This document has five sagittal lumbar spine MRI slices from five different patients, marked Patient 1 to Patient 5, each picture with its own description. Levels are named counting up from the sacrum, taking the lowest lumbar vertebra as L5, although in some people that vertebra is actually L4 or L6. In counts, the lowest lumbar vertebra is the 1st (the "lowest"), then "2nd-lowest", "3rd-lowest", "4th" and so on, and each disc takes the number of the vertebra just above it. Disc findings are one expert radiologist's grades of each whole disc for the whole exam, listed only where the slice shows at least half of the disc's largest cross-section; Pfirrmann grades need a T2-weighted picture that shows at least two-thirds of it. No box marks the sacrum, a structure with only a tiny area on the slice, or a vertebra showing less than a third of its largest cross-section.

Patient 1 of 5:
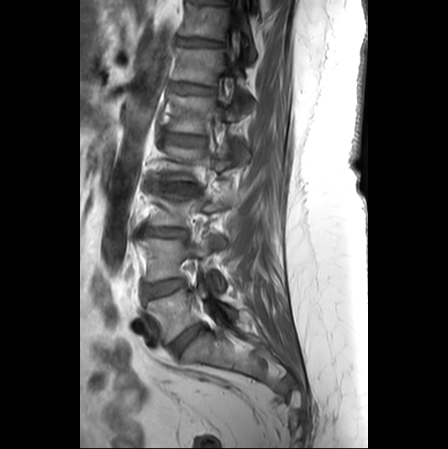

Sagittal T1-weighted lumbar spine MRI

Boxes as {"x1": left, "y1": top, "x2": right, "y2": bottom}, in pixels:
3rd-lowest vertebra at {"x1": 149, "y1": 186, "x2": 228, "y2": 226}, 4th vertebra at {"x1": 153, "y1": 142, "x2": 249, "y2": 182}, spinal canal at {"x1": 227, "y1": 27, "x2": 238, "y2": 66}, 5th disc at {"x1": 163, "y1": 134, "x2": 204, "y2": 145}, 6th disc at {"x1": 169, "y1": 81, "x2": 214, "y2": 93}, lowest disc at {"x1": 170, "y1": 323, "x2": 204, "y2": 355}, 4th disc at {"x1": 146, "y1": 180, "x2": 201, "y2": 193}, 2nd-lowest vertebra at {"x1": 138, "y1": 234, "x2": 224, "y2": 289}, 7th vertebra at {"x1": 179, "y1": 3, "x2": 256, "y2": 60}, 7th disc at {"x1": 176, "y1": 37, "x2": 222, "y2": 45}, 5th vertebra at {"x1": 167, "y1": 94, "x2": 250, "y2": 133}, lowest vertebra at {"x1": 147, "y1": 283, "x2": 235, "y2": 342}, 3rd-lowest disc at {"x1": 139, "y1": 228, "x2": 186, "y2": 236}, 2nd-lowest disc at {"x1": 143, "y1": 279, "x2": 185, "y2": 300}, 6th vertebra at {"x1": 173, "y1": 47, "x2": 239, "y2": 84}.

Degenerative findings by level:
• 2nd-lowest disc: lower-endplate change, upper-endplate change, disc bulging, Modic type II
• 7th disc: upper-endplate change
• 5th disc: disc bulging
• 3rd-lowest disc: disc bulging, upper-endplate change, disc narrowing, lower-endplate change
• lowest disc: disc bulging
• 4th disc: disc narrowing, disc herniation, upper-endplate change, Modic type II, lower-endplate change
• 6th disc: upper-endplate change

Patient 2 of 5:
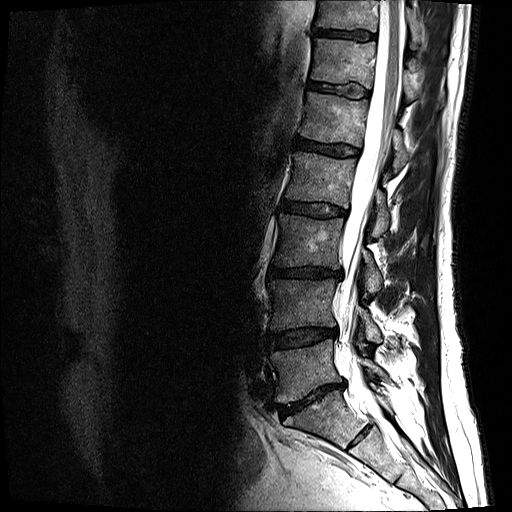

MRI lumbar spine (T2-weighted), sagittal plane, Sex M, Slice 10/17

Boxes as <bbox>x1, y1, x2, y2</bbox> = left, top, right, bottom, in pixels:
L1 — <bbox>300, 92, 409, 172</bbox>.
Intervertebral disc L4/L5 — <bbox>268, 328, 337, 348</bbox>.
Intervertebral disc L5/S1 — <bbox>277, 383, 344, 418</bbox>.
L1/L2 — <bbox>296, 139, 359, 156</bbox>.
Intervertebral disc T12/L1 — <bbox>309, 82, 369, 97</bbox>.
Intervertebral disc L2/L3 — <bbox>282, 201, 346, 217</bbox>.
Spinal canal — <bbox>339, 0, 405, 413</bbox>.
L3/L4 — <bbox>269, 266, 341, 279</bbox>.
L4 — <bbox>268, 278, 382, 342</bbox>.
T12 — <bbox>311, 38, 418, 100</bbox>.
T11 — <bbox>316, 0, 420, 46</bbox>.
L3 vertebra — <bbox>273, 213, 382, 292</bbox>.
T11/T12 — <bbox>313, 28, 375, 40</bbox>.
L2 vertebra — <bbox>285, 150, 390, 236</bbox>.
L5 vertebra — <bbox>270, 339, 387, 405</bbox>.

Expert MSK radiologist gradings (per disc):
  L4/L5: Pfirrmann grade 3, disc narrowing, disc bulging
  T12/L1: Pfirrmann grade 3
  L5/S1: Pfirrmann grade 5, Modic type II, disc bulging, disc narrowing
  L2/L3: Pfirrmann grade 3, disc bulging
  L3/L4: Pfirrmann grade 4, disc narrowing, lower-endplate change, disc bulging
  L1/L2: Pfirrmann grade 4
  T11/T12: Pfirrmann grade 4

Patient 3 of 5:
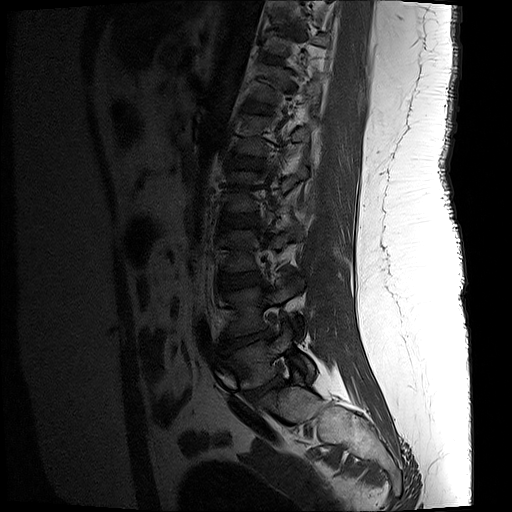 Lumbar spine MR, T1-weighted, sagittal
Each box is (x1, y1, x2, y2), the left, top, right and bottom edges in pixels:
T11 vertebra — (263, 21, 329, 55).
L3/L4 — (220, 272, 264, 289).
L2 — (225, 164, 308, 212).
IVD L5/S1 — (246, 377, 281, 399).
L5 — (223, 322, 314, 389).
L1 — (236, 114, 319, 155).
L4 — (224, 270, 303, 336).
L1/L2 — (228, 156, 263, 167).
L3 — (224, 221, 305, 272).
IVD T12/L1 — (246, 101, 271, 112).
IVD T11/T12 — (262, 54, 283, 62).
IVD L2/L3 — (222, 214, 258, 226).
IVD L4/L5 — (220, 329, 275, 352).
T12 vertebra — (252, 64, 324, 102).

Degenerative findings by level:
- L5/S1: disc herniation, upper-endplate change, disc narrowing, lower-endplate change, Modic type II
- L4/L5: disc narrowing, lower-endplate change, upper-endplate change, Modic type II, disc herniation
- L2/L3: lower-endplate change, upper-endplate change
- L1/L2: lower-endplate change
- T12/L1, L3/L4: no Modic or endplate change, herniation, narrowing, bulging or spondylolisthesis recorded

Patient 4 of 5:
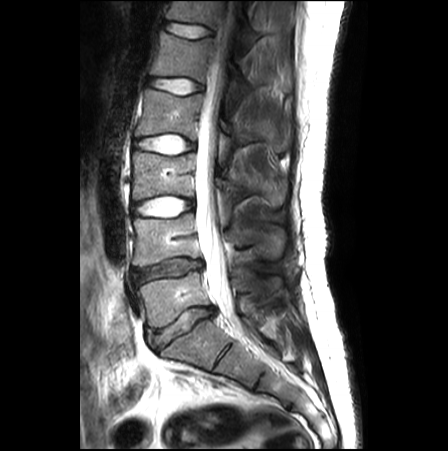

Image 448x451; Patient sex: M; Field of view 280x282 mm; Sagittal slice index 14; Lumbar spine MR, T2-weighted, sagittal

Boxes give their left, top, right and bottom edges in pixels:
T12/L1 (6th disc) at left=167, top=22, right=211, bottom=38; L2 (4th vertebra) at left=135, top=89, right=288, bottom=151; L3 (3rd-lowest vertebra) at left=132, top=152, right=284, bottom=206; L5/S1 (lowest disc) at left=148, top=306, right=214, bottom=348; intervertebral disc L1/L2 (5th disc) at left=150, top=78, right=202, bottom=93; T12 (6th vertebra) at left=166, top=1, right=260, bottom=51; L5 (lowest vertebra) at left=138, top=272, right=279, bottom=326; L2/L3 (4th disc) at left=135, top=132, right=194, bottom=154; L1 (5th vertebra) at left=151, top=32, right=290, bottom=99; intervertebral disc L3/L4 (3rd-lowest disc) at left=132, top=196, right=193, bottom=217; L4/L5 (2nd-lowest disc) at left=134, top=259, right=202, bottom=282; thecal sac / spinal canal at left=195, top=1, right=237, bottom=323; L4 (2nd-lowest vertebra) at left=133, top=213, right=284, bottom=266.

Expert MSK radiologist gradings (per disc):
• L3/L4 (3rd-lowest disc): Pfirrmann grade 1
• L4/L5 (2nd-lowest disc): Pfirrmann grade 3, disc narrowing, disc bulging
• L1/L2 (5th disc): Pfirrmann grade 1
• T12/L1 (6th disc): Pfirrmann grade 1, lower-endplate change
• L5/S1 (lowest disc): Pfirrmann grade 3, disc narrowing, disc bulging
• L2/L3 (4th disc): Pfirrmann grade 1

Patient 5 of 5:
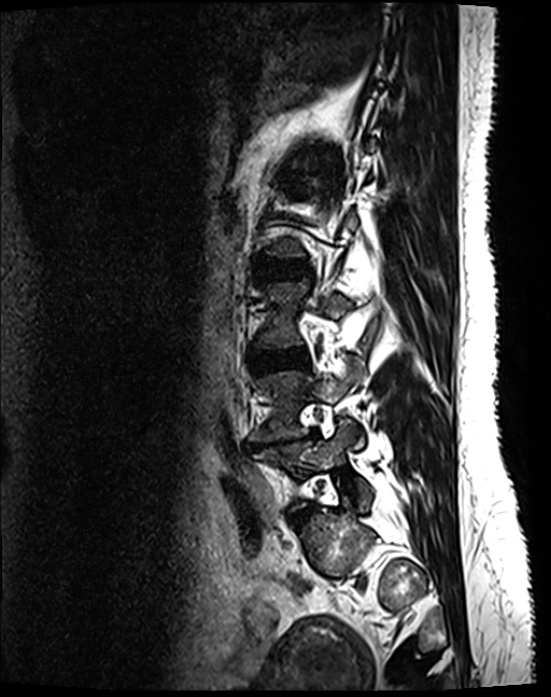 Slice 44/130 | Sagittal T2 SPACE (3D) lumbar spine MRI
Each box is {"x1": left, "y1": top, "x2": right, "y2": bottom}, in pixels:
L4/L5 at {"x1": 244, "y1": 433, "x2": 317, "y2": 450}, L3 vertebra at {"x1": 258, "y1": 282, "x2": 351, "y2": 347}, IVD L5/S1 at {"x1": 288, "y1": 502, "x2": 315, "y2": 519}, IVD L3/L4 at {"x1": 255, "y1": 349, "x2": 307, "y2": 368}, L2/L3 at {"x1": 266, "y1": 262, "x2": 311, "y2": 277}, L4 at {"x1": 249, "y1": 360, "x2": 364, "y2": 441}, L5 vertebra at {"x1": 253, "y1": 419, "x2": 370, "y2": 509}.